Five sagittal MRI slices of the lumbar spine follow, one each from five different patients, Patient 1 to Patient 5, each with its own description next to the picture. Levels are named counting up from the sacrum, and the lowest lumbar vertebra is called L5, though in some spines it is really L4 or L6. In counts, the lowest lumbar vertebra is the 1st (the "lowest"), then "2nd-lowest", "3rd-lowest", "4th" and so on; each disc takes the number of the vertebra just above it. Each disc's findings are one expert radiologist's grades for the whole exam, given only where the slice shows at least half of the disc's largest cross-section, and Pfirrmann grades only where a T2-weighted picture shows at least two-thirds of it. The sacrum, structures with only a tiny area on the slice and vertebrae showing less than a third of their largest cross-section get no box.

Patient 1 of 5:
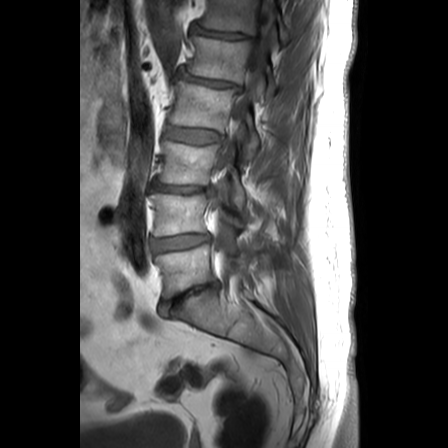 Slice 10/25, Patient sex: M, Image 448x448, Sagittal T1-weighted lumbar spine MRI, Field of view 280x280 mm
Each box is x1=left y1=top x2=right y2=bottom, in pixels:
Structures:
• T12/L1 = x1=192 y1=26 x2=250 y2=38
• L3/L4 = x1=152 y1=182 x2=214 y2=193
• L2 = x1=168 y1=80 x2=258 y2=159
• L4/L5 = x1=152 y1=235 x2=208 y2=251
• L5 = x1=154 y1=244 x2=268 y2=298
• L4 vertebra = x1=150 y1=194 x2=242 y2=235
• intervertebral disc L5/S1 = x1=157 y1=282 x2=218 y2=317
• L1 vertebra = x1=184 y1=35 x2=274 y2=99
• T12 vertebra = x1=198 y1=0 x2=290 y2=43
• intervertebral disc L1/L2 = x1=175 y1=69 x2=238 y2=90
• L2/L3 = x1=164 y1=127 x2=221 y2=143
• L3 = x1=158 y1=141 x2=245 y2=207
• thecal sac / spinal canal = x1=210 y1=0 x2=273 y2=280

Radiological gradings:
- T12/L1: disc narrowing, disc bulging
- L5/S1: disc bulging, disc narrowing
- L4/L5: disc bulging
- L3/L4: disc narrowing, disc herniation
- L1/L2: disc bulging, disc narrowing
- L2/L3: no Modic or endplate change, herniation, narrowing, bulging or spondylolisthesis recorded

Patient 2 of 5:
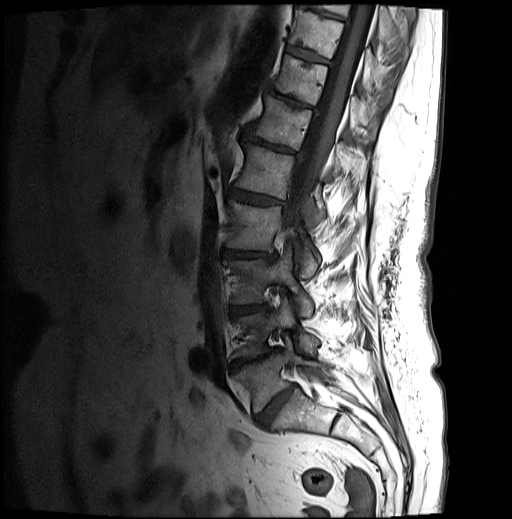 Lumbar spine MR, T1-weighted, sagittal
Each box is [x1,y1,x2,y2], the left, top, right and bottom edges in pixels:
L5/S1 at [256,385,294,426], spinal canal at [281,1,374,237], intervertebral disc L1/L2 at [229,188,283,205], T11 vertebra at [273,55,374,139], T10 vertebra at [289,9,382,89], L4/L5 at [231,348,280,369], intervertebral disc L2/L3 at [223,249,274,259], intervertebral disc L3/L4 at [231,305,267,312], T9 vertebra at [311,4,395,38], L3 at [224,251,313,317], T9/T10 at [298,3,344,19], intervertebral disc T10/T11 at [286,45,329,63], T11/T12 at [268,86,314,108], L4 at [234,297,319,358], L5 vertebra at [233,337,328,413], T12/L1 at [244,128,297,154], L1 at [236,143,325,228], T12 vertebra at [253,96,353,175], L2 vertebra at [227,200,318,277].

Degenerative findings by level:
- L4/L5: Modic type II, disc bulging, disc narrowing, lower-endplate change, upper-endplate change
- T11/T12: lower-endplate change, upper-endplate change, disc narrowing, Modic type II, disc bulging
- T12/L1: Modic type II, upper-endplate change, disc narrowing, disc bulging, lower-endplate change
- T9/T10: upper-endplate change, lower-endplate change, disc bulging, Modic type II
- L1/L2: disc narrowing, upper-endplate change, lower-endplate change, Modic type II, disc bulging
- T10/T11: lower-endplate change, Modic type II, upper-endplate change
- L2/L3: upper-endplate change, disc bulging, lower-endplate change, disc narrowing, Modic type II
- L5/S1: disc narrowing, disc bulging

Patient 3 of 5:
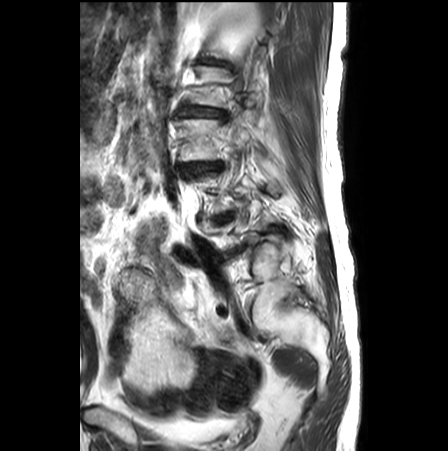 MRI lumbar spine (T2-weighted), sagittal plane; Slice spacing 3.3 mm; 448x451 px

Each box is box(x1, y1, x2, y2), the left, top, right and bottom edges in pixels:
{"intervertebral disc L4/L5": "box(217, 211, 232, 223)", "intervertebral disc L5/S1": "box(223, 246, 244, 258)", "intervertebral disc L2/L3": "box(180, 105, 226, 118)", "intervertebral disc L1/L2": "box(200, 58, 232, 67)", "L3/L4": "box(181, 163, 222, 175)", "L3": "box(176, 119, 250, 161)"}

Degenerative findings by level:
- L1/L2: lower-endplate change, disc bulging, disc narrowing
- L2/L3: Pfirrmann grade 4, disc bulging, lower-endplate change, disc narrowing, spondylolisthesis, upper-endplate change, Modic type II
- L3/L4: spondylolisthesis, lower-endplate change, disc narrowing, disc bulging, upper-endplate change, Modic type II

Patient 4 of 5:
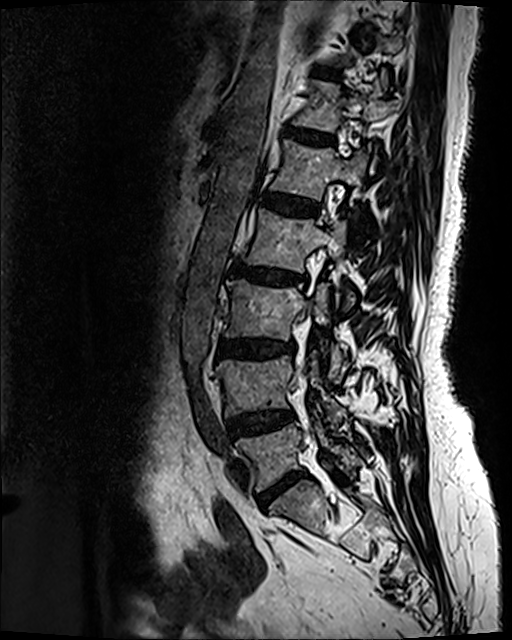 Patient sex: F; Lumbar spine MR, T2 SPACE (3D), sagittal; 512x640 px
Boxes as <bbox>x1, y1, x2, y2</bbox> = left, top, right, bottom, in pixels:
6th vertebra at <bbox>293, 76, 397, 132</bbox>, 3rd-lowest vertebra at <bbox>225, 280, 343, 377</bbox>, 2nd-lowest vertebra at <bbox>216, 353, 344, 426</bbox>, lowest disc at <bbox>259, 473, 304, 506</bbox>, 4th disc at <bbox>230, 264, 304, 284</bbox>, lowest vertebra at <bbox>237, 422, 361, 491</bbox>, 5th vertebra at <bbox>271, 139, 371, 199</bbox>, 7th disc at <bbox>313, 69, 334, 77</bbox>, 5th disc at <bbox>262, 193, 317, 215</bbox>, 6th disc at <bbox>287, 128, 332, 142</bbox>, 4th vertebra at <bbox>243, 209, 353, 304</bbox>, spinal canal at <bbox>294, 360, 303, 386</bbox>, 3rd-lowest disc at <bbox>217, 339, 294, 355</bbox>, 2nd-lowest disc at <bbox>229, 410, 292, 438</bbox>.

Radiological gradings:
  4th disc: Pfirrmann grade 4, disc narrowing, disc bulging, upper-endplate change, Modic type II, lower-endplate change
  3rd-lowest disc: Pfirrmann grade 4, lower-endplate change, Modic type II, disc narrowing, upper-endplate change, disc bulging
  2nd-lowest disc: Pfirrmann grade 3, disc bulging
  5th disc: Pfirrmann grade 2

Patient 5 of 5:
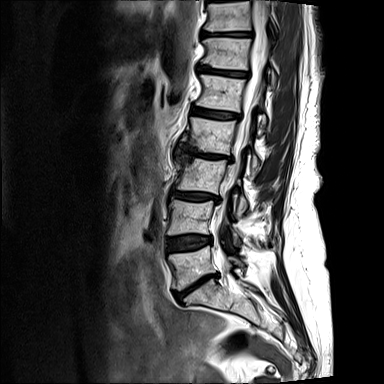 Sagittal T2-weighted lumbar spine MRI | Patient sex: F | Image 384x384 | Sagittal slice index 5
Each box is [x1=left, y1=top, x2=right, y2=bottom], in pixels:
T12 vertebra: [x1=201, y1=37, x2=276, y2=88] | disc L1/L2: [x1=191, y1=106, x2=241, y2=119] | T11/T12: [x1=201, y1=30, x2=251, y2=37] | L3/L4: [x1=171, y1=190, x2=219, y2=202] | thecal sac / spinal canal: [x1=215, y1=0, x2=268, y2=233] | T11: [x1=204, y1=0, x2=279, y2=33] | L2: [x1=180, y1=117, x2=260, y2=173] | L3 vertebra: [x1=175, y1=155, x2=247, y2=216] | disc L5/S1: [x1=175, y1=274, x2=218, y2=302] | L5: [x1=169, y1=246, x2=243, y2=290] | L4 vertebra: [x1=168, y1=199, x2=240, y2=245] | L2/L3: [x1=176, y1=149, x2=232, y2=161] | L1: [x1=196, y1=74, x2=266, y2=127] | disc L4/L5: [x1=167, y1=235, x2=211, y2=251] | T12/L1: [x1=197, y1=66, x2=249, y2=78]

Expert MSK radiologist gradings (per disc):
- L3/L4: Pfirrmann grade 4, lower-endplate change, disc bulging, Modic type II, disc narrowing, upper-endplate change
- L1/L2: Pfirrmann grade 3, Modic type II, disc bulging, lower-endplate change, upper-endplate change
- L2/L3: Pfirrmann grade 5, disc narrowing, Modic type III, upper-endplate change, disc bulging, lower-endplate change
- T11/T12: Pfirrmann grade 3, upper-endplate change, lower-endplate change, disc bulging, disc narrowing, Modic type II
- T12/L1: Pfirrmann grade 3, disc bulging, lower-endplate change, upper-endplate change, disc narrowing, Modic type III
- L5/S1: Pfirrmann grade 5, Modic type II, disc narrowing, lower-endplate change, disc bulging, upper-endplate change
- L4/L5: Pfirrmann grade 3, Modic type II, disc bulging, upper-endplate change, lower-endplate change